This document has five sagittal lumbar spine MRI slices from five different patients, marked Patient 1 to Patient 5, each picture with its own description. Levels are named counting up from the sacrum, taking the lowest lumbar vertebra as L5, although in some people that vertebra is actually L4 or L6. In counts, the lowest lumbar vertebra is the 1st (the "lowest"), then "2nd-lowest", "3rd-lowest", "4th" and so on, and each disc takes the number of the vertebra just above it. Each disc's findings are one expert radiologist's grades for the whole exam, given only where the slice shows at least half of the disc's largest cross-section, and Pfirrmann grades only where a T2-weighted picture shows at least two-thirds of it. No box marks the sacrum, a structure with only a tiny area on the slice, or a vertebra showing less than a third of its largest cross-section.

Patient 1 of 5:
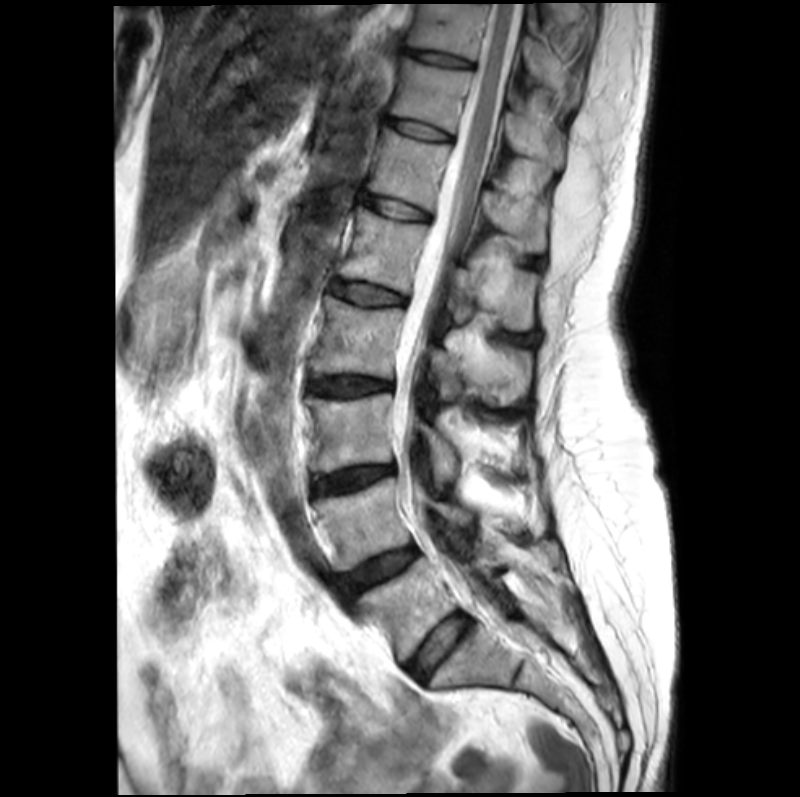
Lumbar spine MR, T2-weighted, sagittal. Image 800x797. Slice 12 of 21.

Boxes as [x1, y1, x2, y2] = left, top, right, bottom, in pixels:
T12 vertebra — [366, 128, 545, 253] | L5/S1 — [406, 614, 469, 682] | L1 vertebra — [338, 207, 535, 330] | L1/L2 — [330, 278, 404, 304] | L3 vertebra — [304, 393, 456, 475] | T10 — [405, 4, 579, 102] | L3/L4 — [310, 464, 392, 494] | disc L2/L3 — [306, 374, 389, 397] | L4 vertebra — [314, 477, 519, 570] | T12/L1 — [361, 195, 428, 220] | T10/T11 — [401, 49, 472, 67] | disc L4/L5 — [340, 545, 417, 599] | T11 — [388, 62, 561, 169] | L5 — [358, 539, 558, 663] | T11/T12 — [385, 117, 451, 140] | L2 vertebra — [310, 296, 529, 400] | thecal sac / spinal canal — [393, 4, 521, 604]

Radiological gradings:
• L2/L3: Pfirrmann grade 3, upper-endplate change, lower-endplate change, disc bulging, Modic type II
• L4/L5: Pfirrmann grade 3, Modic type II
• T10/T11: Pfirrmann grade 3
• L3/L4: Pfirrmann grade 3, upper-endplate change, disc narrowing, lower-endplate change, Modic type II, disc bulging
• L1/L2: Pfirrmann grade 2, upper-endplate change, lower-endplate change, Modic type II
• T11/T12: Pfirrmann grade 2
• L5/S1: Pfirrmann grade 2, Modic type II
• T12/L1: Pfirrmann grade 2, Modic type II

Patient 2 of 5:
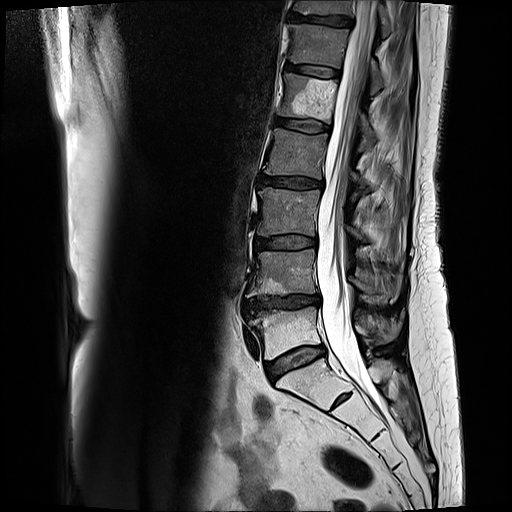 Field of view 300x300 mm, slice spacing 3.3 mm; T2-weighted sagittal MRI of the lumbar spine; 512x512 px
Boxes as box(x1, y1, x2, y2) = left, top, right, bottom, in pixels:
• 2nd-lowest disc at box(245, 294, 319, 315)
• 2nd-lowest vertebra at box(247, 250, 402, 298)
• 6th disc at box(286, 63, 340, 77)
• 3rd-lowest disc at box(256, 237, 316, 249)
• lowest vertebra at box(249, 307, 400, 358)
• 7th vertebra at box(293, 0, 391, 35)
• 6th vertebra at box(291, 25, 386, 93)
• 4th vertebra at box(263, 129, 368, 188)
• lowest disc at box(267, 346, 326, 381)
• 7th disc at box(291, 14, 352, 27)
• 5th vertebra at box(279, 74, 378, 149)
• 4th disc at box(259, 177, 322, 188)
• 3rd-lowest vertebra at box(257, 186, 368, 241)
• 5th disc at box(275, 118, 329, 131)
• spinal canal at box(316, 0, 376, 400)

Radiological gradings:
  2nd-lowest disc: Pfirrmann grade 4, lower-endplate change, disc bulging, upper-endplate change, disc narrowing, Modic type II
  3rd-lowest disc: Pfirrmann grade 3, Modic type II, disc bulging
  lowest disc: Pfirrmann grade 3, Modic type II, disc bulging
  7th disc: Pfirrmann grade 4, Modic type II, lower-endplate change, upper-endplate change
  5th disc: Pfirrmann grade 3, Modic type II
  6th disc: Pfirrmann grade 3, Modic type II
  4th disc: Pfirrmann grade 3, Modic type II, disc bulging

Patient 3 of 5:
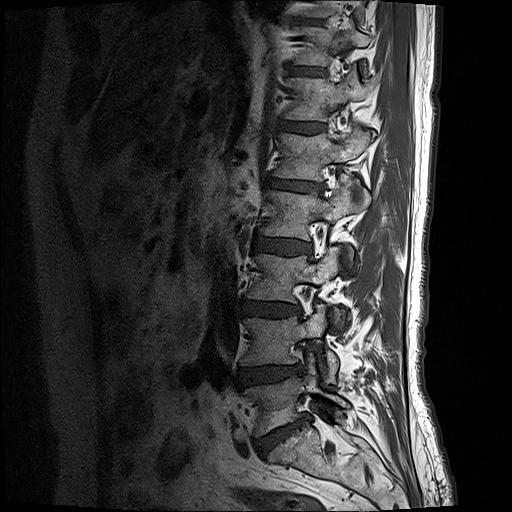 Slice 16/19; Lumbar spine MR, T1-weighted, sagittal

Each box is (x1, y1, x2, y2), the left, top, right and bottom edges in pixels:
L4/L5 (2nd-lowest disc): (238, 363, 300, 387).
L5 (lowest vertebra): (246, 363, 350, 435).
Intervertebral disc T10/T11 (8th disc): (307, 19, 320, 22).
Intervertebral disc L3/L4 (3rd-lowest disc): (241, 299, 300, 315).
Intervertebral disc L2/L3 (4th disc): (253, 235, 309, 255).
T12 (6th vertebra): (285, 70, 376, 122).
L2 (4th vertebra): (261, 187, 370, 255).
L3 (3rd-lowest vertebra): (248, 246, 341, 301).
Intervertebral disc L1/L2 (5th disc): (269, 178, 322, 190).
Intervertebral disc T11/T12 (7th disc): (288, 67, 324, 74).
L1 (5th vertebra): (275, 130, 372, 182).
T11 (7th vertebra): (294, 28, 371, 66).
T12/L1 (6th disc): (283, 123, 323, 132).
L4 (2nd-lowest vertebra): (241, 304, 337, 382).
Intervertebral disc L5/S1 (lowest disc): (254, 416, 308, 455).

Per-level radiological findings:
  L1/L2 (5th disc): lower-endplate change, disc narrowing, disc bulging, upper-endplate change, Modic type II
  L3/L4 (3rd-lowest disc): disc bulging, Modic type II, lower-endplate change, disc narrowing
  L2/L3 (4th disc): disc bulging
  L5/S1 (lowest disc): disc narrowing, lower-endplate change, Modic type II, disc bulging
  L4/L5 (2nd-lowest disc): disc bulging, disc herniation
  T12/L1 (6th disc), T11/T12 (7th disc): no herniation, bulging, narrowing, spondylolisthesis, endplate or Modic change recorded

Patient 4 of 5:
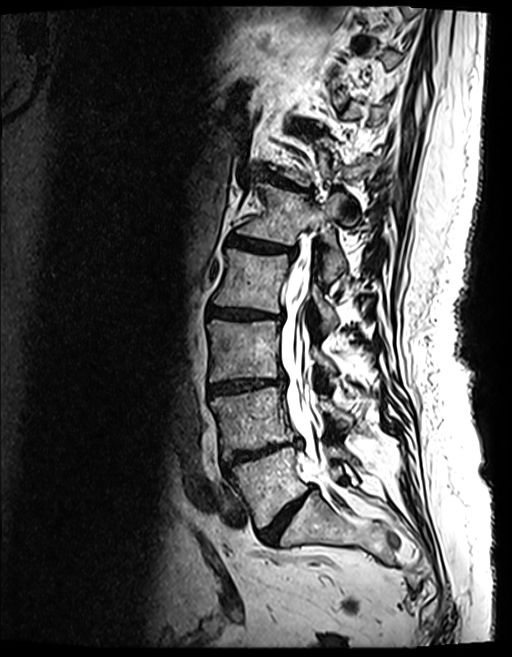 Slice 85 of 154 | 512x657 px | Lumbar spine MR, T2 SPACE (3D), sagittal
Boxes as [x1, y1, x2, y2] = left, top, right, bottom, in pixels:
Structures:
- L5/S1 (lowest disc) — [256, 489, 310, 541]
- L3/L4 (3rd-lowest disc) — [209, 377, 284, 394]
- L5 (lowest vertebra) — [233, 447, 349, 528]
- L4 (2nd-lowest vertebra) — [211, 387, 348, 458]
- L3 (3rd-lowest vertebra) — [208, 320, 333, 381]
- disc T12/L1 (6th disc) — [254, 171, 310, 193]
- L1 (5th vertebra) — [238, 183, 345, 283]
- L2 (4th vertebra) — [215, 249, 336, 332]
- disc L1/L2 (5th disc) — [229, 237, 294, 257]
- L4/L5 (2nd-lowest disc) — [223, 440, 300, 473]
- spinal canal — [280, 257, 327, 476]
- disc L2/L3 (4th disc) — [209, 306, 283, 320]

Per-level radiological findings:
• L3/L4 (3rd-lowest disc): Pfirrmann grade 4, Modic type II, disc narrowing, upper-endplate change, lower-endplate change, disc bulging
• L2/L3 (4th disc): Pfirrmann grade 4, disc narrowing, Modic type II, disc bulging, upper-endplate change, lower-endplate change
• L5/S1 (lowest disc): Pfirrmann grade 4, disc bulging, disc narrowing
• L1/L2 (5th disc): Pfirrmann grade 4, disc bulging, disc narrowing, lower-endplate change, Modic type II, upper-endplate change
• T12/L1 (6th disc): Modic type II, upper-endplate change, disc narrowing, lower-endplate change, disc bulging
• L4/L5 (2nd-lowest disc): Pfirrmann grade 5, disc narrowing, lower-endplate change, upper-endplate change, disc bulging, Modic type II

Patient 5 of 5:
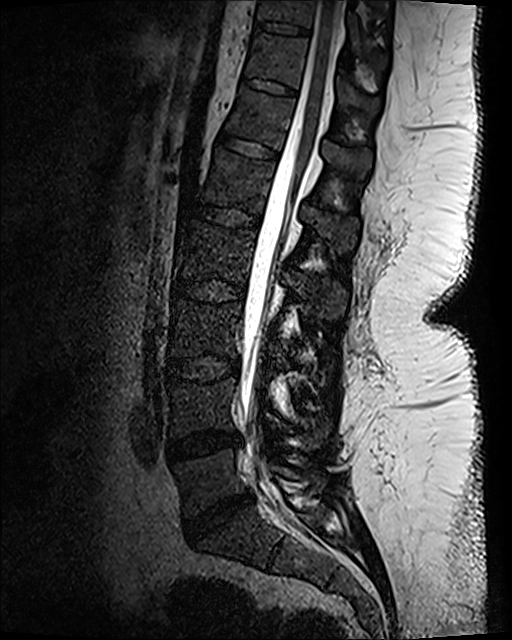

Patient sex: F. T2 SPACE (3D) sagittal MRI of the lumbar spine. Image 512x640. Sagittal slice index 59.
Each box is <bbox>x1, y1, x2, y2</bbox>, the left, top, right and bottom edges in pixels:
2nd-lowest vertebra at <bbox>170, 378, 324, 446</bbox>, 6th disc at <bbox>217, 130, 277, 159</bbox>, 5th disc at <bbox>179, 203, 258, 227</bbox>, 4th vertebra at <bbox>175, 220, 347, 320</bbox>, lowest vertebra at <bbox>175, 450, 325, 516</bbox>, 7th vertebra at <bbox>246, 31, 379, 113</bbox>, 8th disc at <bbox>255, 20, 311, 36</bbox>, 6th vertebra at <bbox>227, 87, 372, 178</bbox>, 4th disc at <bbox>170, 279, 245, 302</bbox>, 2nd-lowest disc at <bbox>167, 430, 241, 461</bbox>, 5th vertebra at <bbox>202, 148, 358, 253</bbox>, 7th disc at <bbox>242, 77, 298, 96</bbox>, 3rd-lowest disc at <bbox>168, 356, 239, 381</bbox>, lowest disc at <bbox>184, 494, 252, 537</bbox>, 8th vertebra at <bbox>257, 0, 387, 68</bbox>, spinal canal at <bbox>240, 1, 340, 493</bbox>, 3rd-lowest vertebra at <bbox>170, 300, 290, 366</bbox>.

Radiological gradings:
- 6th disc: Pfirrmann grade 1
- 8th disc: Pfirrmann grade 1
- 2nd-lowest disc: Pfirrmann grade 3, disc narrowing, disc bulging
- 4th disc: Pfirrmann grade 1
- 3rd-lowest disc: Pfirrmann grade 1
- 7th disc: Pfirrmann grade 1
- lowest disc: Pfirrmann grade 4, disc bulging, disc narrowing
- 5th disc: Pfirrmann grade 1